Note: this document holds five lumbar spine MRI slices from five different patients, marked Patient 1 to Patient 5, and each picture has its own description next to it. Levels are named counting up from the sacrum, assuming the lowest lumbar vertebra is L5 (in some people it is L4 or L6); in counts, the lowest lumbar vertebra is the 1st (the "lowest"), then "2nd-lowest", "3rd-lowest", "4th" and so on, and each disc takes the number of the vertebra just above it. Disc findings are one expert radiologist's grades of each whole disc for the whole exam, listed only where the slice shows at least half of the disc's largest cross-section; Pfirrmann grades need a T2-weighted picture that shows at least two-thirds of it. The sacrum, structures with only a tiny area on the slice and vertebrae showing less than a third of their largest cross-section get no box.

Patient 1 of 5:
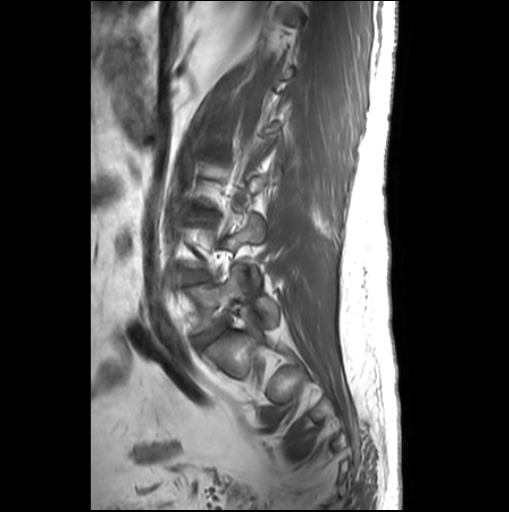
MRI lumbar spine (T1-weighted), sagittal plane. Patient sex: M.

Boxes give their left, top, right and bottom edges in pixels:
Annotations:
* L4/L5 (2nd-lowest disc): left=188, top=270, right=206, bottom=280
* intervertebral disc L5/S1 (lowest disc): left=198, top=326, right=226, bottom=346
* L5 (lowest vertebra): left=192, top=265, right=278, bottom=331

Patient 2 of 5:
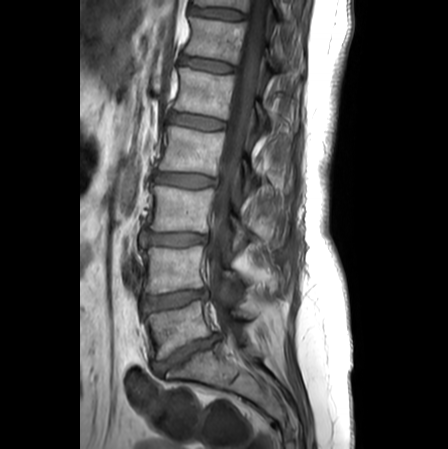 Lumbar spine MR, T1-weighted, sagittal, 448x449 px, Field of view 280x280 mm, slice spacing 3.3 mm, Patient sex: F
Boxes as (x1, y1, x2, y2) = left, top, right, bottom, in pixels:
{"spinal canal": "(206, 0, 267, 342)", "L1 vertebra": "(175, 68, 265, 126)", "IVD T11/T12": "(190, 7, 244, 19)", "L1/L2": "(170, 113, 224, 129)", "T12": "(186, 17, 303, 77)", "IVD L2/L3": "(154, 173, 214, 186)", "L3 vertebra": "(149, 186, 282, 248)", "L2 vertebra": "(160, 126, 256, 190)", "T11": "(194, 0, 247, 10)", "L5 vertebra": "(146, 300, 254, 359)", "L4 vertebra": "(141, 246, 281, 293)", "T12/L1": "(181, 55, 233, 72)", "IVD L5/S1": "(153, 333, 219, 374)", "IVD L4/L5": "(144, 290, 207, 313)", "L3/L4": "(142, 233, 205, 245)"}

Per-level radiological findings:
• L5/S1: disc narrowing, lower-endplate change, Modic type II, upper-endplate change, disc herniation
• L4/L5: disc narrowing, disc bulging
• L3/L4: disc bulging
• L2/L3: disc bulging
• T11/T12, T12/L1, L1/L2: no spondylolisthesis, narrowing, bulging, herniation, Modic or endplate change recorded

Patient 3 of 5:
Slice 52/144, Lumbar spine MR, T2 SPACE (3D), sagittal, Field of view 240x308 mm, slice spacing 0.9 mm 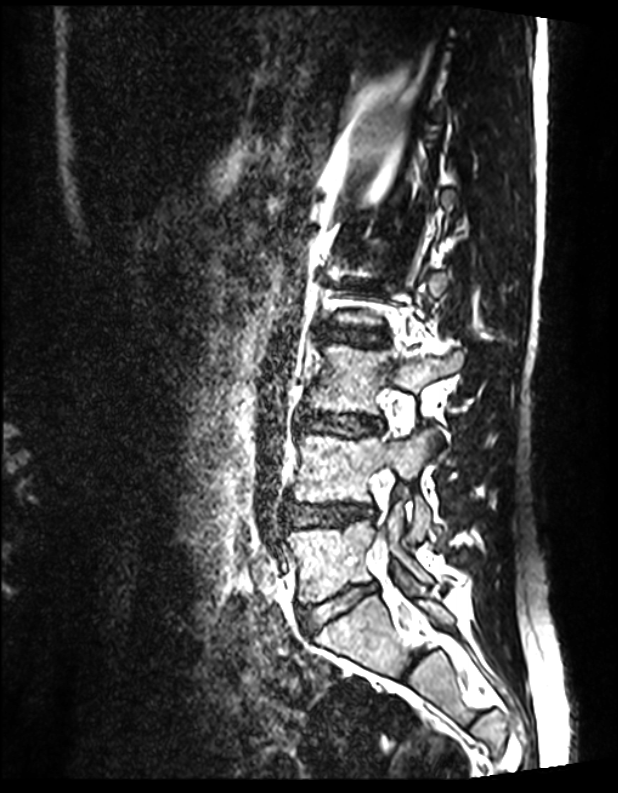

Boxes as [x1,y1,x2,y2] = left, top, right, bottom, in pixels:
L4 (2nd-lowest vertebra) at [290,432,430,541].
IVD L3/L4 (3rd-lowest disc) at [296,413,383,436].
L5/S1 (lowest disc) at [299,583,377,633].
L4/L5 (2nd-lowest disc) at [287,503,373,525].
L3 (3rd-lowest vertebra) at [305,345,463,425].
Spinal canal at [377,533,383,544].
L2/L3 (4th disc) at [315,325,389,346].
L5 (lowest vertebra) at [286,507,430,602].

Degenerative findings by level:
• L4/L5 (2nd-lowest disc): Pfirrmann grade 1
• L5/S1 (lowest disc): Pfirrmann grade 1
• L2/L3 (4th disc): Pfirrmann grade 1
• L3/L4 (3rd-lowest disc): Pfirrmann grade 1

Patient 4 of 5:
Slice 30/120; Image 512x640; T2 SPACE (3D) sagittal MRI of the lumbar spine
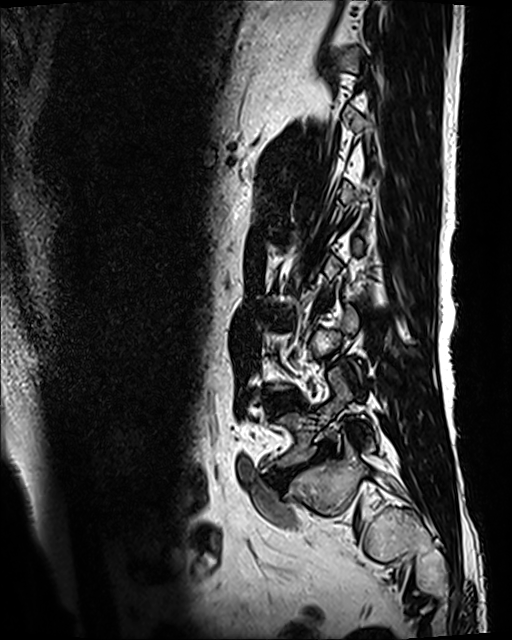 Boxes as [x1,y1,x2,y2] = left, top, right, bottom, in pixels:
Intervertebral disc L4/L5 = [267,395,298,412].
L5 = [277,367,375,466].
L5/S1 = [283,444,333,473].

Patient 5 of 5:
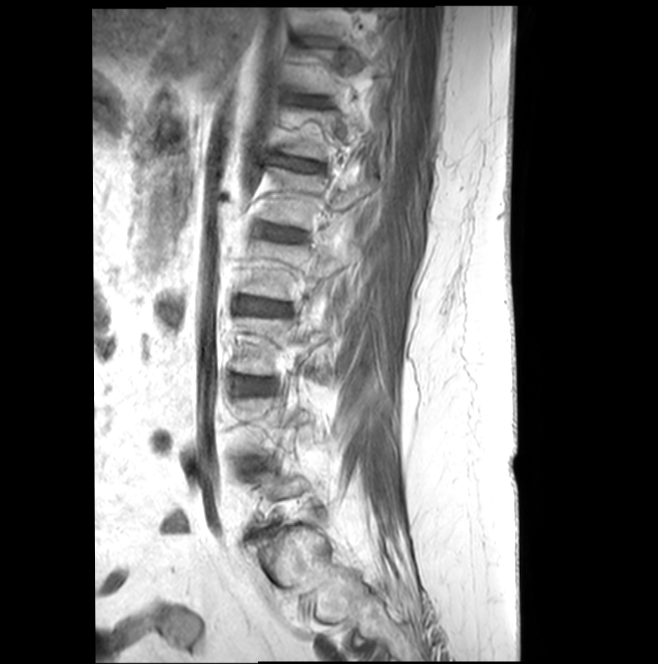 Sex F. T1-weighted sagittal MRI of the lumbar spine.
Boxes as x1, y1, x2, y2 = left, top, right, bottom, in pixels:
IVD L2/L3 (4th disc): 237, 297, 287, 314
L1 (5th vertebra): 261, 168, 374, 229
IVD L1/L2 (5th disc): 261, 224, 301, 240
T12/L1 (6th disc): 273, 156, 318, 171
L2 (4th vertebra): 241, 241, 359, 299
L3 (3rd-lowest vertebra): 233, 317, 327, 375
L3/L4 (3rd-lowest disc): 233, 376, 267, 393

Expert MSK radiologist gradings (per disc):
- T12/L1 (6th disc): disc bulging
- L2/L3 (4th disc), L1/L2 (5th disc): no spondylolisthesis, narrowing, bulging, herniation, Modic or endplate change recorded